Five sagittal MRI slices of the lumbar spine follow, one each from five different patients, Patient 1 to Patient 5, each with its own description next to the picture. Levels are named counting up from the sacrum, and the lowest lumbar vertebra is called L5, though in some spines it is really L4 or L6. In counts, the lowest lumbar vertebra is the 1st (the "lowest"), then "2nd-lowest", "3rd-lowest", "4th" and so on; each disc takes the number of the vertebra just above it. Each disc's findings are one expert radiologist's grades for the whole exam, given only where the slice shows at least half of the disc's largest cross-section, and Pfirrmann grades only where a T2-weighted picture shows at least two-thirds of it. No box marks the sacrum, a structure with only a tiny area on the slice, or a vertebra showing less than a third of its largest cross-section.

Patient 1 of 5:
Lumbar spine MR, T2-weighted, sagittal

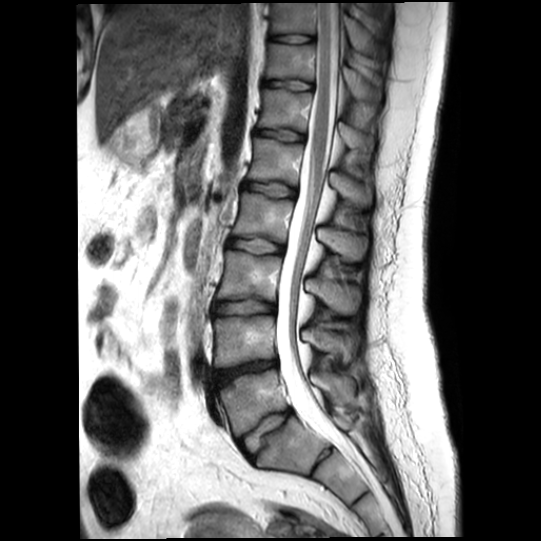
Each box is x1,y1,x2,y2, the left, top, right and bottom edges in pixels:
Segmented structures:
- disc L1/L2 = 243,182,296,197
- disc L3/L4 = 214,300,276,315
- disc T12/L1 = 255,129,304,141
- T10 vertebra = 271,3,386,56
- disc T11/T12 = 263,79,312,90
- L1 = 249,138,371,205
- disc L2/L3 = 227,238,283,254
- disc L4/L5 = 216,359,277,385
- L3 = 217,250,358,314
- thecal sac / spinal canal = 277,3,356,462
- L4 vertebra = 215,315,355,367
- T12 = 258,89,362,148
- L5 = 220,370,352,435
- disc T10/T11 = 270,33,314,43
- L2 vertebra = 233,192,367,261
- L5/S1 = 240,410,291,453
- T11 = 266,43,381,102

Per-level radiological findings:
  T10/T11: Pfirrmann grade 1
  L1/L2: Pfirrmann grade 1, lower-endplate change
  L2/L3: Pfirrmann grade 1, lower-endplate change
  L3/L4: Pfirrmann grade 2, disc narrowing, lower-endplate change, disc bulging, upper-endplate change
  L5/S1: Pfirrmann grade 2, disc bulging, disc narrowing, upper-endplate change, lower-endplate change
  T11/T12: Pfirrmann grade 1, lower-endplate change
  L4/L5: Pfirrmann grade 5, disc narrowing, lower-endplate change, disc bulging, upper-endplate change
  T12/L1: Pfirrmann grade 1, lower-endplate change

Patient 2 of 5:
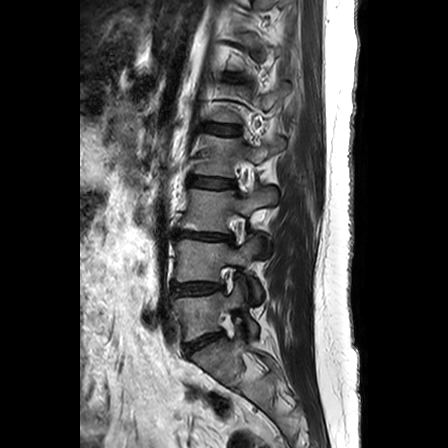 T2-weighted sagittal MRI of the lumbar spine; Field of view 280x280 mm
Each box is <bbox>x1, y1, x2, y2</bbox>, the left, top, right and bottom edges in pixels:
Lowest disc at <bbox>185, 332, 222, 354</bbox>, 3rd-lowest disc at <bbox>174, 231, 231, 240</bbox>, lowest vertebra at <bbox>172, 282, 257, 340</bbox>, 3rd-lowest vertebra at <bbox>179, 186, 277, 231</bbox>, 4th vertebra at <bbox>195, 135, 283, 176</bbox>, 2nd-lowest disc at <bbox>172, 283, 221, 294</bbox>, 5th disc at <bbox>204, 124, 239, 134</bbox>, 2nd-lowest vertebra at <bbox>175, 238, 262, 302</bbox>, 4th disc at <bbox>188, 176, 233, 188</bbox>.

Per-level radiological findings:
- 4th disc: Pfirrmann grade 1
- 2nd-lowest disc: disc bulging
- 3rd-lowest disc: Pfirrmann grade 3, upper-endplate change, Modic type II, lower-endplate change, disc narrowing, disc herniation
- 5th disc: no herniation, bulging, narrowing, spondylolisthesis, endplate or Modic change recorded

Patient 3 of 5:
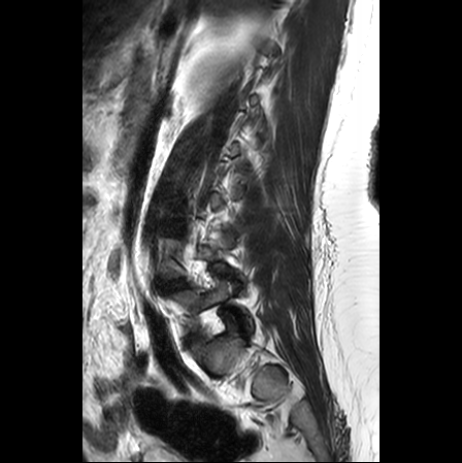
Sagittal slice index 5, T2-weighted sagittal MRI of the lumbar spine
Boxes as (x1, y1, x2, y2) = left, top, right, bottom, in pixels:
L4/L5 at (172, 280, 184, 286), L5 vertebra at (172, 280, 253, 329).

Patient 4 of 5:
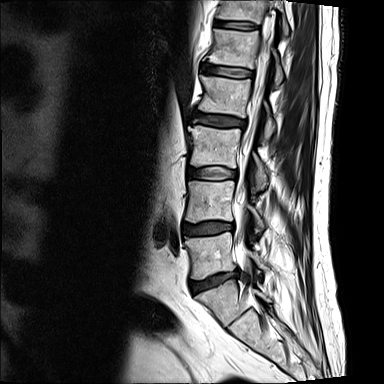 T2-weighted sagittal MRI of the lumbar spine

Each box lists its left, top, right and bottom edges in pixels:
Segmented structures:
• IVD L5/S1 (lowest disc) — left=190, top=270, right=239, bottom=292
• IVD L3/L4 (3rd-lowest disc) — left=187, top=167, right=237, bottom=179
• L1/L2 (5th disc) — left=203, top=64, right=253, bottom=77
• L2 (4th vertebra) — left=199, top=75, right=275, bottom=144
• T12 (6th vertebra) — left=219, top=0, right=289, bottom=37
• L2/L3 (4th disc) — left=192, top=112, right=245, bottom=127
• L5 (lowest vertebra) — left=185, top=232, right=266, bottom=279
• T12/L1 (6th disc) — left=216, top=21, right=256, bottom=29
• spinal canal — left=236, top=30, right=271, bottom=239
• L4/L5 (2nd-lowest disc) — left=183, top=222, right=233, bottom=234
• L1 (5th vertebra) — left=210, top=29, right=283, bottom=87
• L3 (3rd-lowest vertebra) — left=187, top=126, right=267, bottom=190
• L4 (2nd-lowest vertebra) — left=185, top=181, right=264, bottom=230

Radiological gradings:
• L3/L4 (3rd-lowest disc): Pfirrmann grade 2
• L5/S1 (lowest disc): Pfirrmann grade 3, upper-endplate change, lower-endplate change, Modic type II, disc narrowing, disc herniation
• T12/L1 (6th disc): Pfirrmann grade 2
• L4/L5 (2nd-lowest disc): Pfirrmann grade 2, lower-endplate change, disc bulging, upper-endplate change
• L2/L3 (4th disc): Pfirrmann grade 3, Modic type II, disc bulging, upper-endplate change, lower-endplate change
• L1/L2 (5th disc): Pfirrmann grade 2, Modic type II, upper-endplate change, lower-endplate change

Patient 5 of 5:
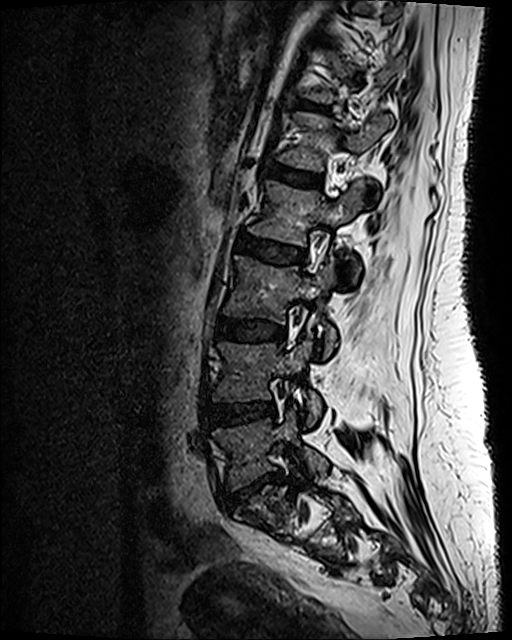
Sagittal T2 SPACE (3D) lumbar spine MRI. Slice 78/120. Sex F.

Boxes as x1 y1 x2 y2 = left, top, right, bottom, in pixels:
• L4 vertebra = 212 340 321 426
• L5 vertebra = 213 409 329 489
• IVD T12/L1 = 297 101 325 111
• L3 = 224 256 335 356
• L2 vertebra = 249 181 362 266
• IVD L4/L5 = 210 402 274 424
• L3/L4 = 215 317 284 341
• IVD L1/L2 = 261 163 321 188
• IVD L5/S1 = 240 474 280 496
• L2/L3 = 237 235 301 263
• L1 = 278 113 390 170

Per-level radiological findings:
- L2/L3: Pfirrmann grade 3, disc bulging
- L4/L5: disc bulging
- L1/L2: Pfirrmann grade 2
- L3/L4: Pfirrmann grade 3